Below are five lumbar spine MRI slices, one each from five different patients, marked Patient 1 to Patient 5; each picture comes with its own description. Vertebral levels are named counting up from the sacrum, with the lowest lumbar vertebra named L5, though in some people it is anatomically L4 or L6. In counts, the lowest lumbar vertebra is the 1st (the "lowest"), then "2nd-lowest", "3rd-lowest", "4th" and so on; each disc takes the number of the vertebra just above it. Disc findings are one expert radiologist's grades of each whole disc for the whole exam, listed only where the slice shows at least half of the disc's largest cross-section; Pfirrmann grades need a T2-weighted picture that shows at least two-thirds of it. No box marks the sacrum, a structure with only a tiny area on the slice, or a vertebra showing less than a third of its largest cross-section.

Patient 1 of 5:
Slice 50 of 120 | Lumbar spine MR, T2 SPACE (3D), sagittal 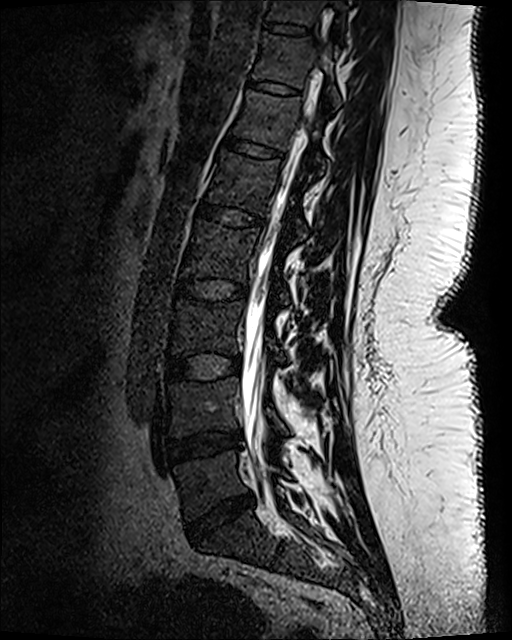
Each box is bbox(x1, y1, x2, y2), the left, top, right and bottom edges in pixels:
7th vertebra: bbox(254, 34, 340, 107).
8th vertebra: bbox(266, 0, 348, 30).
3rd-lowest vertebra: bbox(172, 301, 286, 361).
2nd-lowest disc: bbox(166, 431, 241, 462).
4th vertebra: bbox(183, 220, 289, 302).
3rd-lowest disc: bbox(166, 352, 241, 382).
2nd-lowest vertebra: bbox(169, 378, 287, 435).
6th vertebra: bbox(232, 90, 328, 171).
Thecal sac / spinal canal: bbox(241, 105, 312, 473).
6th disc: bbox(223, 133, 284, 159).
8th disc: bbox(265, 22, 309, 36).
5th vertebra: bbox(208, 149, 307, 240).
5th disc: bbox(196, 200, 264, 228).
Lowest disc: bbox(186, 494, 254, 540).
Lowest vertebra: bbox(175, 452, 289, 519).
4th disc: bbox(176, 278, 247, 301).
7th disc: bbox(247, 78, 300, 95).

Degenerative findings by level:
• 5th disc: Pfirrmann grade 1
• 8th disc: Pfirrmann grade 1
• 7th disc: Pfirrmann grade 1
• 3rd-lowest disc: Pfirrmann grade 1
• lowest disc: Pfirrmann grade 4, disc narrowing, disc bulging
• 2nd-lowest disc: Pfirrmann grade 3, disc bulging, disc narrowing
• 4th disc: Pfirrmann grade 1
• 6th disc: Pfirrmann grade 1

Patient 2 of 5:
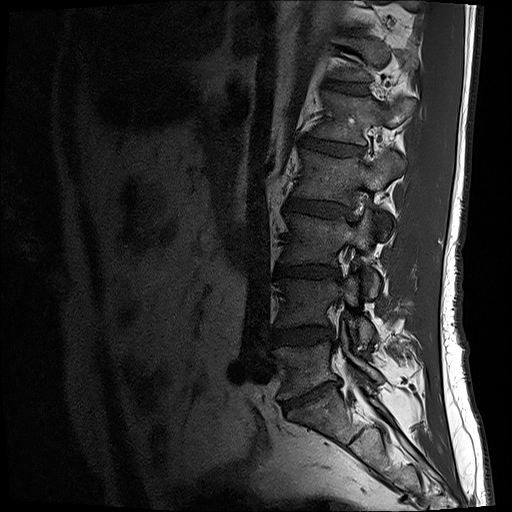 Slice 15/17. Image 512x512. T1-weighted sagittal MRI of the lumbar spine.
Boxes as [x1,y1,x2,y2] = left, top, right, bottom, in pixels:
2nd-lowest disc: [273,327,330,345].
4th disc: [286,199,348,217].
5th disc: [303,137,362,156].
5th vertebra: [314,91,416,145].
Lowest vertebra: [274,326,381,399].
6th disc: [329,82,367,94].
2nd-lowest vertebra: [278,277,373,349].
4th vertebra: [294,150,403,204].
3rd-lowest vertebra: [281,213,380,297].
Lowest disc: [283,382,337,410].
3rd-lowest disc: [276,265,338,277].

Radiological gradings:
• 3rd-lowest disc: lower-endplate change, disc narrowing, disc bulging
• lowest disc: Modic type II, disc bulging, disc narrowing
• 2nd-lowest disc: disc bulging, disc narrowing
• 4th disc: disc bulging
• 6th disc, 5th disc: no herniation, bulging, narrowing, spondylolisthesis, endplate or Modic change recorded

Patient 3 of 5:
Slice spacing 4.8 mm | MRI lumbar spine (T2-weighted), sagittal plane | Image 384x384 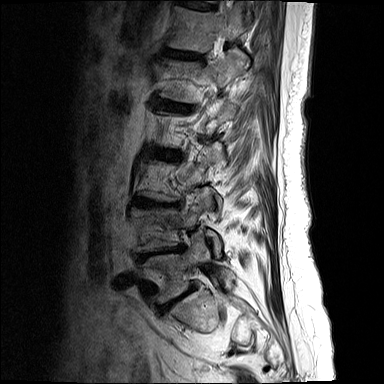

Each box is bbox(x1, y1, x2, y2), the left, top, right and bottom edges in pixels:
* L5 vertebra = bbox(144, 235, 234, 303)
* L1/L2 = bbox(159, 100, 180, 107)
* L4 = bbox(135, 203, 222, 254)
* T12/L1 = bbox(164, 50, 202, 59)
* intervertebral disc L3/L4 = bbox(137, 201, 174, 206)
* T12 = bbox(168, 6, 244, 52)
* L5/S1 = bbox(161, 293, 187, 310)
* L4/L5 = bbox(139, 248, 179, 260)
* L1 vertebra = bbox(159, 49, 246, 102)
* intervertebral disc T11/T12 = bbox(182, 1, 215, 9)

Per-level radiological findings:
• T11/T12: Pfirrmann grade 4, disc bulging, lower-endplate change, upper-endplate change, Modic type II
• T12/L1: disc bulging, upper-endplate change, lower-endplate change, Modic type II

Patient 4 of 5:
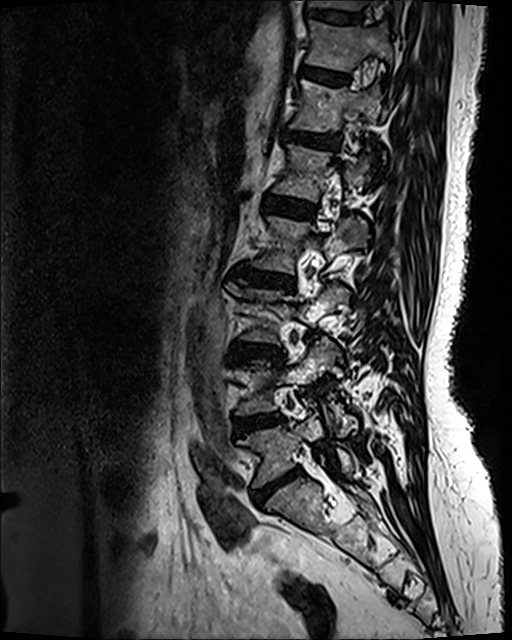 Slice 80 of 120; Image 512x640; T2 SPACE (3D) sagittal MRI of the lumbar spine

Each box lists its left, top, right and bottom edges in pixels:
2nd-lowest vertebra: left=236, top=341, right=335, bottom=421 | 8th vertebra: left=308, top=0, right=402, bottom=30 | 5th vertebra: left=273, top=144, right=367, bottom=202 | 3rd-lowest disc: left=230, top=343, right=281, bottom=356 | 2nd-lowest disc: left=234, top=413, right=282, bottom=434 | 7th vertebra: left=305, top=21, right=392, bottom=70 | 3rd-lowest vertebra: left=226, top=283, right=348, bottom=343 | 4th vertebra: left=254, top=216, right=365, bottom=273 | lowest vertebra: left=238, top=412, right=353, bottom=487 | 6th vertebra: left=292, top=80, right=386, bottom=158 | 6th disc: left=284, top=130, right=340, bottom=149 | 5th disc: left=262, top=194, right=315, bottom=219 | 7th disc: left=301, top=67, right=348, bottom=83 | 4th disc: left=230, top=267, right=294, bottom=290 | 8th disc: left=308, top=8, right=362, bottom=22 | lowest disc: left=254, top=470, right=299, bottom=503

Per-level radiological findings:
• 4th disc: Pfirrmann grade 4, upper-endplate change, lower-endplate change, disc narrowing, disc bulging, Modic type II
• 7th disc: Pfirrmann grade 2
• 8th disc: Pfirrmann grade 2
• 6th disc: Pfirrmann grade 3, disc bulging
• 5th disc: Pfirrmann grade 2

Patient 5 of 5:
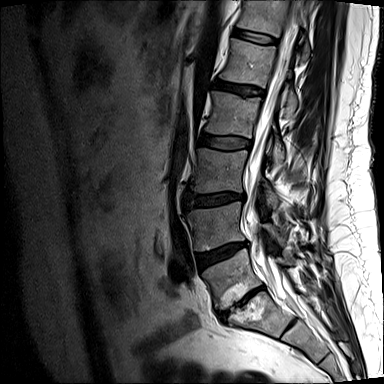 MRI lumbar spine (T2-weighted), sagittal plane; Image 384x384
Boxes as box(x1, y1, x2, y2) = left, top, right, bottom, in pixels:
L1 (5th vertebra) at box(219, 38, 296, 117); L3 (3rd-lowest vertebra) at box(190, 148, 277, 208); T12 (6th vertebra) at box(237, 0, 311, 61); L5 (lowest vertebra) at box(201, 248, 289, 309); intervertebral disc L4/L5 (2nd-lowest disc) at box(199, 242, 246, 268); L4 (2nd-lowest vertebra) at box(188, 202, 282, 251); spinal canal at box(246, 0, 305, 316); intervertebral disc T12/L1 (6th disc) at box(233, 29, 275, 45); L1/L2 (5th disc) at box(212, 80, 263, 96); L3/L4 (3rd-lowest disc) at box(187, 193, 244, 205); intervertebral disc L2/L3 (4th disc) at box(199, 134, 248, 149); L2 (4th vertebra) at box(205, 91, 283, 163); intervertebral disc L5/S1 (lowest disc) at box(218, 286, 262, 318).

Degenerative findings by level:
• L1/L2 (5th disc): Pfirrmann grade 4, upper-endplate change
• L2/L3 (4th disc): Pfirrmann grade 1
• L5/S1 (lowest disc): Pfirrmann grade 5, Modic type II, disc bulging, upper-endplate change, lower-endplate change, disc narrowing
• L3/L4 (3rd-lowest disc): Pfirrmann grade 1, disc bulging
• L4/L5 (2nd-lowest disc): Pfirrmann grade 4, lower-endplate change, disc narrowing, disc bulging
• T12/L1 (6th disc): Pfirrmann grade 2